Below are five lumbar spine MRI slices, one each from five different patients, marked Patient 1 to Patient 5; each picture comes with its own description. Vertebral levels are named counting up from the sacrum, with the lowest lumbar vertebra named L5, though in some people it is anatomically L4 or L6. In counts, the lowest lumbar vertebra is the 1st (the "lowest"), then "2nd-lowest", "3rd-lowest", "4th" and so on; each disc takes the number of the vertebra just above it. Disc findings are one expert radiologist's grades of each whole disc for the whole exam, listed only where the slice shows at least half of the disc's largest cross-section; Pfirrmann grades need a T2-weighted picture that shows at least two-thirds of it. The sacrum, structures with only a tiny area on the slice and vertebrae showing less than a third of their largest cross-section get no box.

Patient 1 of 5:
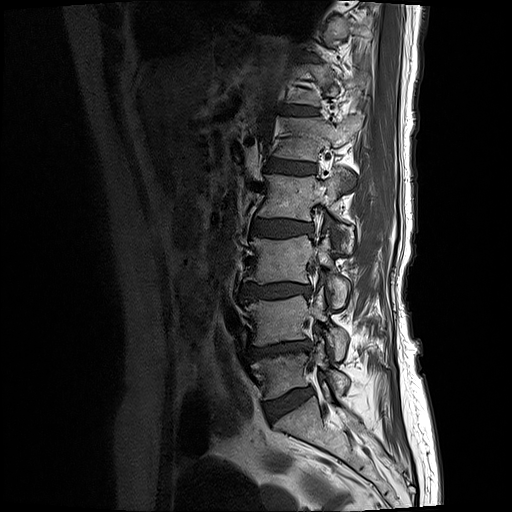 MRI lumbar spine (T1-weighted), sagittal plane | Sex F

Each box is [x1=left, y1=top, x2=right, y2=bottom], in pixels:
L2 (4th vertebra) at [x1=257, y1=172, x2=354, y2=250], L3 (3rd-lowest vertebra) at [x1=245, y1=233, x2=351, y2=309], L2/L3 (4th disc) at [x1=254, y1=219, x2=314, y2=237], L5 (lowest vertebra) at [x1=252, y1=342, x2=350, y2=399], L3/L4 (3rd-lowest disc) at [x1=241, y1=282, x2=312, y2=298], L4 (2nd-lowest vertebra) at [x1=244, y1=289, x2=349, y2=360], IVD L4/L5 (2nd-lowest disc) at [x1=244, y1=339, x2=314, y2=361], IVD L5/S1 (lowest disc) at [x1=265, y1=388, x2=314, y2=421], T12 (6th vertebra) at [x1=286, y1=64, x2=368, y2=106], IVD L1/L2 (5th disc) at [x1=267, y1=159, x2=316, y2=174], L1 (5th vertebra) at [x1=272, y1=115, x2=362, y2=161], IVD T12/L1 (6th disc) at [x1=282, y1=105, x2=318, y2=114].

Radiological gradings:
- L5/S1 (lowest disc): disc bulging
- L4/L5 (2nd-lowest disc): upper-endplate change, lower-endplate change, disc narrowing, Modic type II, disc bulging
- L3/L4 (3rd-lowest disc): disc bulging, disc narrowing, Modic type II, upper-endplate change, lower-endplate change
- L2/L3 (4th disc): upper-endplate change, Modic type II, lower-endplate change, disc bulging
- L1/L2 (5th disc): upper-endplate change, lower-endplate change, Modic type II
- T12/L1 (6th disc): Modic type II, lower-endplate change, upper-endplate change

Patient 2 of 5:
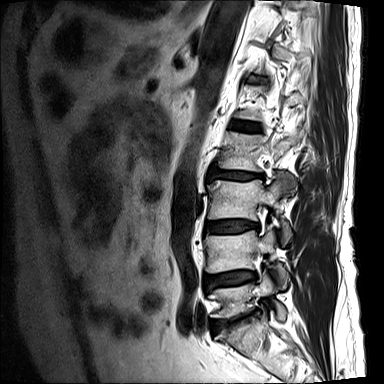

Field of view 280x280 mm | Sagittal T2-weighted lumbar spine MRI
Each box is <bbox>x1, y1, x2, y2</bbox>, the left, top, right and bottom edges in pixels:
L5/S1 — <bbox>212, 314, 251, 332</bbox> | disc L2/L3 — <bbox>209, 170, 261, 180</bbox> | disc L4/L5 — <bbox>205, 270, 256, 289</bbox> | L5 — <bbox>208, 270, 286, 320</bbox> | L1/L2 — <bbox>232, 121, 260, 131</bbox> | disc L3/L4 — <bbox>206, 220, 259, 233</bbox> | L4 — <bbox>204, 225, 288, 289</bbox> | L3 — <bbox>208, 172, 297, 247</bbox> | L2 — <bbox>218, 130, 303, 171</bbox>

Per-level radiological findings:
- L5/S1: disc narrowing, lower-endplate change, upper-endplate change, Modic type II, disc bulging
- L3/L4: Pfirrmann grade 4, disc bulging, lower-endplate change, Modic type II, upper-endplate change
- L4/L5: Pfirrmann grade 4, lower-endplate change, upper-endplate change, disc bulging, disc narrowing, Modic type II
- L2/L3: Pfirrmann grade 4, disc bulging, lower-endplate change, Modic type II, upper-endplate change, disc narrowing

Patient 3 of 5:
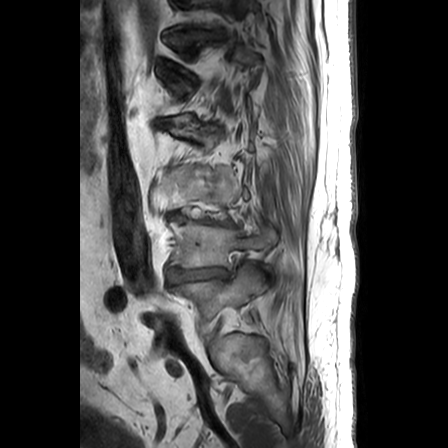 MRI lumbar spine (T1-weighted), sagittal plane. Image 448x448.
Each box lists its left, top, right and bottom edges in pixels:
L4 = left=171, top=222, right=275, bottom=267.
Intervertebral disc L4/L5 = left=168, top=268, right=228, bottom=283.
Intervertebral disc T11/T12 = left=169, top=30, right=213, bottom=39.
L5 = left=170, top=263, right=262, bottom=321.
Intervertebral disc L3/L4 = left=170, top=215, right=236, bottom=226.

Per-level radiological findings:
- T11/T12: upper-endplate change, disc narrowing, disc bulging
- L4/L5: disc herniation, Modic type II, disc narrowing, disc bulging
- L3/L4: disc narrowing, disc bulging, disc herniation, Modic type II

Patient 4 of 5:
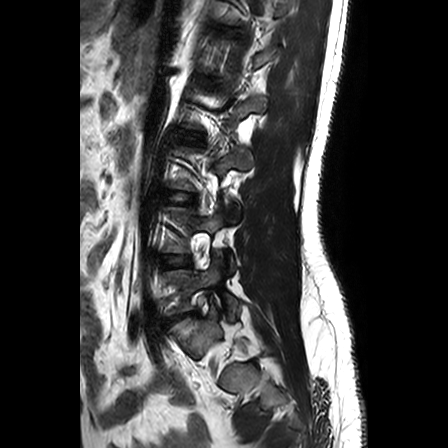 448x448 px, Sex M, T2-weighted sagittal MRI of the lumbar spine, Sagittal slice index 5
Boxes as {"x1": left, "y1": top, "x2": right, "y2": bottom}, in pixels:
{"2nd-lowest disc": {"x1": 166, "y1": 256, "x2": 187, "y2": 265}, "lowest vertebra": {"x1": 166, "y1": 259, "x2": 238, "y2": 322}, "3rd-lowest disc": {"x1": 172, "y1": 194, "x2": 190, "y2": 202}, "lowest disc": {"x1": 171, "y1": 313, "x2": 193, "y2": 320}}

Patient 5 of 5:
T1-weighted sagittal MRI of the lumbar spine. Slice spacing 3.3 mm. 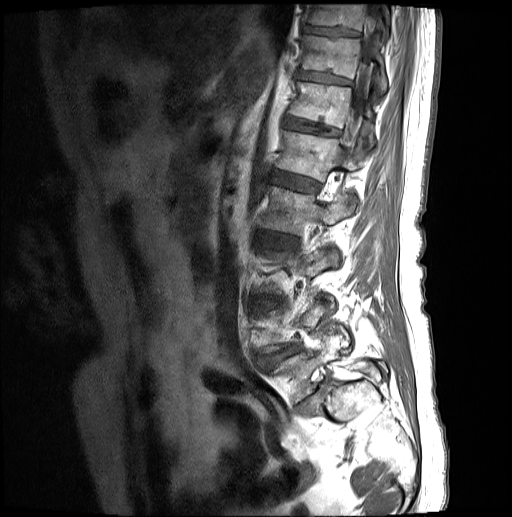

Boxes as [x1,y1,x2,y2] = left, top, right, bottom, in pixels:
T11/T12 at [298,71,350,84].
T12/L1 at [284,118,339,135].
Intervertebral disc L2/L3 at [256,230,297,248].
L1 at [278,131,364,182].
L1/L2 at [272,171,318,191].
T12 vertebra at [289,82,374,146].
T10 at [304,4,389,29].
L4/L5 at [265,347,300,365].
Intervertebral disc T10/T11 at [303,25,358,36].
T11 vertebra at [301,36,386,92].
Thecal sac / spinal canal at [342,4,383,158].
L5 at [273,333,387,402].
Intervertebral disc L5/S1 at [297,380,328,414].
L2 vertebra at [260,186,354,234].

Degenerative findings by level:
• L2/L3: disc bulging
• L5/S1: spondylolisthesis, disc herniation, disc narrowing, Modic type II
• T11/T12, L1/L2, T12/L1, T10/T11: no spondylolisthesis, narrowing, bulging, herniation, Modic or endplate change recorded